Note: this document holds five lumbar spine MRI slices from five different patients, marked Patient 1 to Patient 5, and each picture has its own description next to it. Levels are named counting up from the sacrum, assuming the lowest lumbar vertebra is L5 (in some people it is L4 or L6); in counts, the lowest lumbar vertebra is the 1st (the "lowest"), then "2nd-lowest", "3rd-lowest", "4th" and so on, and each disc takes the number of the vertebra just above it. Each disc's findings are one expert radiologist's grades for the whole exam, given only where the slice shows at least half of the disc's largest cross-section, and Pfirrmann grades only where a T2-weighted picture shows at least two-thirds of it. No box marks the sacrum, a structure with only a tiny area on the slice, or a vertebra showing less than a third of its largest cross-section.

Patient 1 of 5:
Sex F, Sagittal T2-weighted lumbar spine MRI, Slice 11 of 28 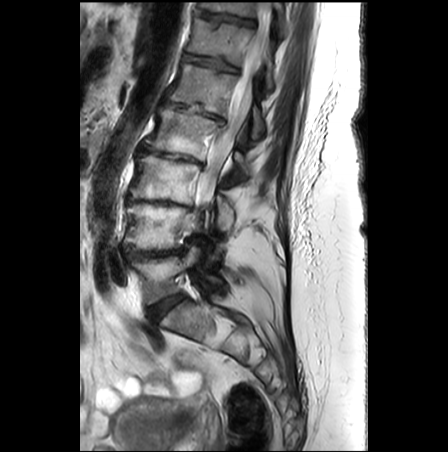 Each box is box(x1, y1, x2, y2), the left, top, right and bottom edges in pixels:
Annotations:
• 3rd-lowest disc = box(126, 198, 188, 207)
• 5th vertebra = box(171, 64, 264, 138)
• lowest vertebra = box(131, 246, 221, 304)
• 2nd-lowest vertebra = box(124, 203, 201, 249)
• 7th vertebra = box(200, 2, 284, 34)
• 7th disc = box(194, 10, 255, 25)
• thecal sac / spinal canal = box(196, 4, 271, 211)
• 4th vertebra = box(146, 108, 250, 175)
• 6th vertebra = box(186, 18, 272, 89)
• 6th disc = box(183, 53, 239, 71)
• 5th disc = box(166, 100, 224, 121)
• 3rd-lowest vertebra = box(129, 156, 233, 229)
• 2nd-lowest disc = box(124, 248, 181, 259)
• 4th disc = box(139, 146, 201, 163)
• lowest disc = box(148, 294, 183, 319)

Expert MSK radiologist gradings (per disc):
• 2nd-lowest disc: lower-endplate change, upper-endplate change, disc narrowing, Modic type II, disc bulging
• 6th disc: Pfirrmann grade 3, lower-endplate change, upper-endplate change, Modic type II
• 7th disc: Pfirrmann grade 3, lower-endplate change, upper-endplate change
• 3rd-lowest disc: disc bulging, lower-endplate change, upper-endplate change, Modic type II, disc narrowing
• 5th disc: Pfirrmann grade 5, spondylolisthesis, disc narrowing, disc bulging, upper-endplate change, lower-endplate change, Modic type II
• 4th disc: lower-endplate change, Modic type II, disc bulging, disc narrowing, upper-endplate change

Patient 2 of 5:
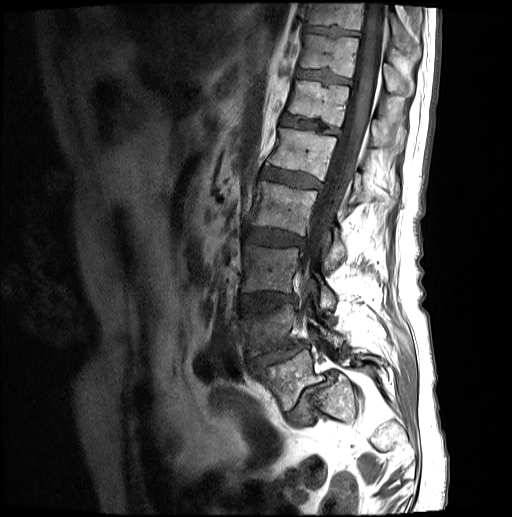 MRI lumbar spine (T1-weighted), sagittal plane

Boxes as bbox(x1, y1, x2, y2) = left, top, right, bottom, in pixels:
{"5th disc": "bbox(262, 167, 319, 188)", "2nd-lowest disc": "bbox(248, 343, 306, 368)", "thecal sac / spinal canal": "bbox(300, 3, 385, 287)", "lowest vertebra": "bbox(256, 349, 386, 410)", "4th disc": "bbox(245, 229, 302, 246)", "3rd-lowest vertebra": "bbox(242, 243, 335, 308)", "2nd-lowest vertebra": "bbox(240, 304, 342, 356)", "7th disc": "bbox(296, 70, 349, 84)", "lowest disc": "bbox(287, 370, 334, 424)", "8th disc": "bbox(303, 24, 358, 36)", "8th vertebra": "bbox(304, 3, 420, 59)", "5th vertebra": "bbox(267, 128, 398, 207)", "4th vertebra": "bbox(251, 181, 345, 269)", "6th disc": "bbox(281, 115, 338, 134)", "7th vertebra": "bbox(300, 34, 413, 96)", "3rd-lowest disc": "bbox(240, 292, 294, 310)", "6th vertebra": "bbox(288, 81, 404, 154)"}

Radiological gradings:
  3rd-lowest disc: lower-endplate change, upper-endplate change, disc bulging
  2nd-lowest disc: spondylolisthesis, lower-endplate change, disc narrowing, upper-endplate change, disc herniation
  4th disc: disc bulging
  lowest disc: spondylolisthesis, disc herniation, Modic type II, disc narrowing
  6th disc, 7th disc, 8th disc, 5th disc: no spondylolisthesis, narrowing, bulging, herniation, Modic or endplate change recorded

Patient 3 of 5:
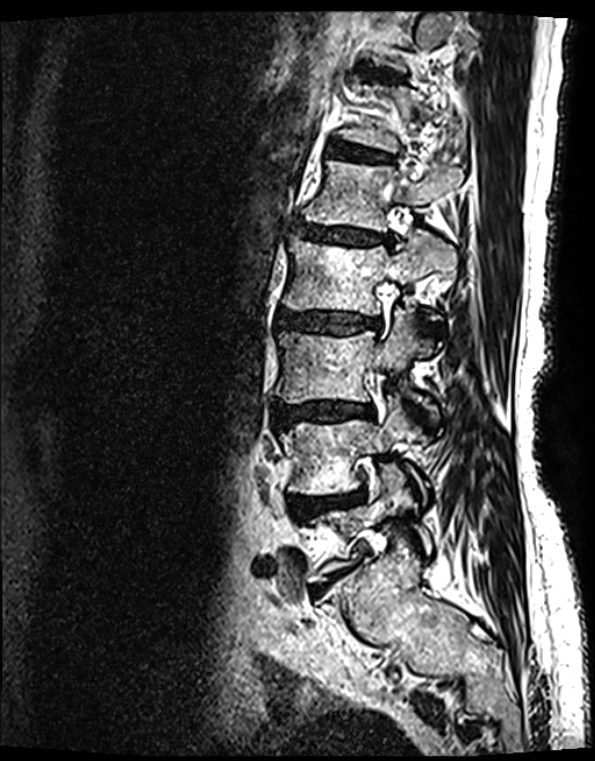

Slice 92/139; Lumbar spine MR, T2 SPACE (3D), sagittal

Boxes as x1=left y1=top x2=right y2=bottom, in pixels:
- disc T11/T12: x1=372 y1=72 x2=397 y2=79
- L4 vertebra: x1=280 y1=398 x2=423 y2=494
- T12/L1: x1=329 y1=145 x2=387 y2=163
- L1 vertebra: x1=303 y1=161 x2=462 y2=232
- L1/L2: x1=294 y1=226 x2=387 y2=244
- L3: x1=277 y1=310 x2=434 y2=411
- disc L2/L3: x1=278 y1=313 x2=378 y2=333
- disc L4/L5: x1=291 y1=489 x2=365 y2=521
- L3/L4: x1=273 y1=402 x2=372 y2=429
- L5 vertebra: x1=308 y1=465 x2=430 y2=582
- L2 vertebra: x1=283 y1=231 x2=456 y2=320

Radiological gradings:
  L4/L5: lower-endplate change, disc herniation, upper-endplate change, disc bulging, Modic type II, disc narrowing
  T12/L1: upper-endplate change, Modic type II, lower-endplate change
  L1/L2: Pfirrmann grade 4, Modic type II, upper-endplate change, disc narrowing, disc bulging, lower-endplate change
  L3/L4: Pfirrmann grade 4, lower-endplate change, Modic type II, disc narrowing, upper-endplate change, disc bulging
  L2/L3: Pfirrmann grade 4, lower-endplate change, upper-endplate change, Modic type II, disc bulging, disc narrowing

Patient 4 of 5:
MRI lumbar spine (T1-weighted), sagittal plane. 425x424 px.
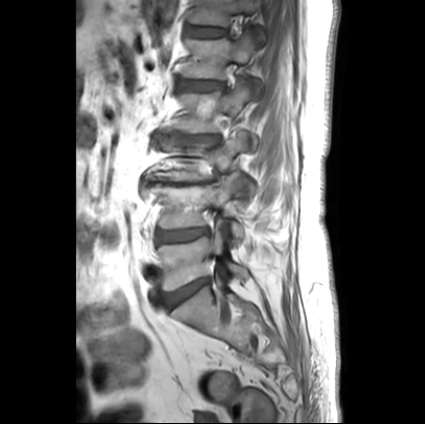

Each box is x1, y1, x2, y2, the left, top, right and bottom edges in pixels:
- intervertebral disc T12/L1 at 187, 25, 226, 37
- L1/L2 at 177, 75, 222, 93
- T12 at 188, 0, 256, 26
- L4/L5 at 155, 228, 208, 244
- L5 at 158, 227, 248, 291
- intervertebral disc L3/L4 at 146, 179, 215, 186
- L1 vertebra at 182, 32, 261, 97
- L2/L3 at 159, 135, 219, 143
- L2 at 166, 80, 249, 133
- L3 vertebra at 146, 131, 257, 195
- intervertebral disc L5/S1 at 165, 278, 209, 308
- L4 at 147, 175, 244, 243

Per-level radiological findings:
  L5/S1: disc bulging
  L4/L5: disc bulging
  L1/L2: upper-endplate change, lower-endplate change, disc bulging
  L2/L3: upper-endplate change, disc narrowing, disc bulging, lower-endplate change
  T12/L1: no Modic or endplate change, herniation, narrowing, bulging or spondylolisthesis recorded

Patient 5 of 5:
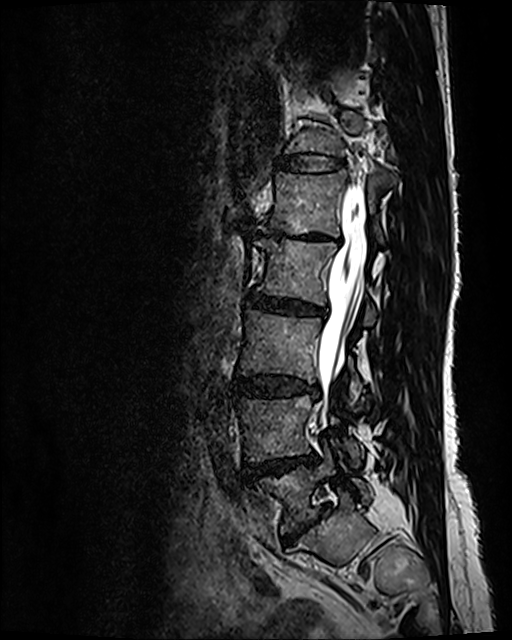
Slice 49/120. Sagittal T2 SPACE (3D) lumbar spine MRI. Slice spacing 0.9 mm.

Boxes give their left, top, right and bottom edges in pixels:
L5 (lowest vertebra) = left=252, top=441, right=369, bottom=533.
L4/L5 (2nd-lowest disc) = left=245, top=456, right=315, bottom=478.
T12/L1 (6th disc) = left=279, top=154, right=344, bottom=173.
L2 (4th vertebra) = left=256, top=240, right=375, bottom=325.
Disc L3/L4 (3rd-lowest disc) = left=235, top=377, right=317, bottom=396.
L3 (3rd-lowest vertebra) = left=239, top=309, right=362, bottom=406.
Spinal canal = left=317, top=184, right=367, bottom=420.
L1 (5th vertebra) = left=259, top=169, right=384, bottom=244.
Disc L1/L2 (5th disc) = left=256, top=229, right=337, bottom=242.
L4 (2nd-lowest vertebra) = left=237, top=395, right=361, bottom=465.
L5/S1 (lowest disc) = left=283, top=506, right=326, bottom=543.
Disc L2/L3 (4th disc) = left=248, top=292, right=325, bottom=316.

Degenerative findings by level:
• T12/L1 (6th disc): Pfirrmann grade 2
• L2/L3 (4th disc): Pfirrmann grade 3, disc narrowing, disc bulging
• L1/L2 (5th disc): Pfirrmann grade 5, disc bulging, lower-endplate change, Modic type II, upper-endplate change, disc narrowing
• L4/L5 (2nd-lowest disc): Pfirrmann grade 4, Modic type II, disc bulging, disc narrowing
• L3/L4 (3rd-lowest disc): Pfirrmann grade 3, disc bulging